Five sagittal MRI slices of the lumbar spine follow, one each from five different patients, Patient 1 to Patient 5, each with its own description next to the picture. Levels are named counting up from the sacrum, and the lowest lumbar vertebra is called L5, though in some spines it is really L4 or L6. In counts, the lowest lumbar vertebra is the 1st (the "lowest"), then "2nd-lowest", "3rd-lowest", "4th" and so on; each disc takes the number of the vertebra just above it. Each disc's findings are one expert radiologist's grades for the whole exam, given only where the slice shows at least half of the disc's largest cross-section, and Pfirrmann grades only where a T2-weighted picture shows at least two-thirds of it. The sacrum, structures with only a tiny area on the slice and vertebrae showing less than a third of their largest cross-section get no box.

Patient 1 of 5:
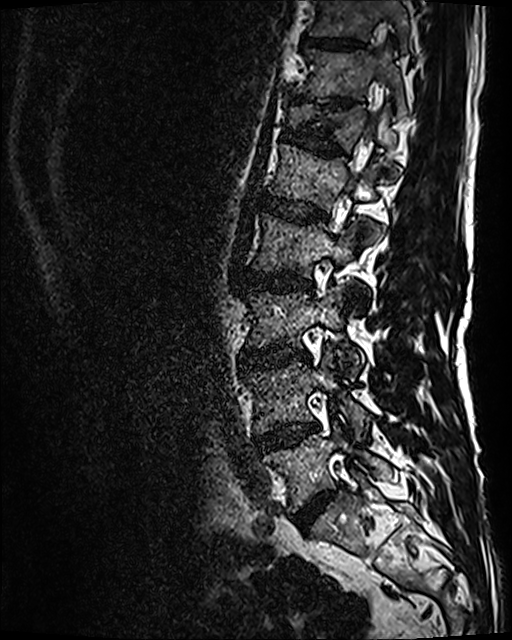
T2 SPACE (3D) sagittal MRI of the lumbar spine. Slice 76/120.

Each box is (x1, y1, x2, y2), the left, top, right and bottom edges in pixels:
Structures:
* L4 at (244, 352, 367, 437)
* L3 vertebra at (247, 286, 363, 379)
* IVD L2/L3 at (243, 270, 312, 290)
* T11/T12 at (327, 99, 352, 106)
* L4/L5 at (256, 423, 317, 453)
* IVD L5/S1 at (292, 488, 337, 531)
* IVD L1/L2 at (260, 195, 325, 222)
* T10/T11 at (304, 37, 361, 49)
* L2 vertebra at (254, 214, 358, 277)
* L3/L4 at (240, 348, 309, 368)
* L1 vertebra at (269, 145, 375, 211)
* T12 at (291, 104, 396, 151)
* L5 at (265, 423, 390, 511)
* T10 vertebra at (310, 0, 408, 48)
* IVD T12/L1 at (282, 126, 345, 155)
* T11 vertebra at (295, 49, 407, 117)

Radiological gradings:
  L1/L2: Pfirrmann grade 3
  T10/T11: Pfirrmann grade 3
  L2/L3: Pfirrmann grade 3, disc bulging, Modic type II
  L3/L4: Pfirrmann grade 4, disc bulging, disc narrowing, Modic type II
  L4/L5: Pfirrmann grade 3, disc bulging, Modic type II
  T12/L1: Pfirrmann grade 3, upper-endplate change, lower-endplate change
  L5/S1: disc bulging, disc narrowing

Patient 2 of 5:
Sagittal slice index 9 | Sagittal T2-weighted lumbar spine MRI

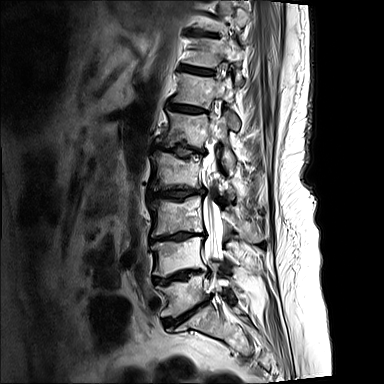
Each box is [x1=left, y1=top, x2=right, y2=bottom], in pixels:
Thecal sac / spinal canal: [x1=201, y1=95, x2=223, y2=290].
6th vertebra: [x1=173, y1=73, x2=239, y2=129].
5th disc: [x1=154, y1=144, x2=205, y2=156].
3rd-lowest disc: [x1=150, y1=232, x2=205, y2=242].
2nd-lowest disc: [x1=153, y1=269, x2=201, y2=284].
4th disc: [x1=152, y1=188, x2=206, y2=200].
6th disc: [x1=168, y1=104, x2=203, y2=113].
Lowest disc: [x1=163, y1=296, x2=210, y2=325].
Lowest vertebra: [x1=156, y1=273, x2=245, y2=317].
7th disc: [x1=182, y1=66, x2=212, y2=74].
7th vertebra: [x1=185, y1=38, x2=242, y2=67].
3rd-lowest vertebra: [x1=149, y1=196, x2=262, y2=240].
8th disc: [x1=188, y1=30, x2=215, y2=35].
2nd-lowest vertebra: [x1=150, y1=237, x2=238, y2=276].
4th vertebra: [x1=150, y1=151, x2=234, y2=198].
5th vertebra: [x1=156, y1=111, x2=235, y2=168].

Radiological gradings:
  4th disc: Pfirrmann grade 5, Modic type I, disc narrowing, upper-endplate change, disc bulging, lower-endplate change
  7th disc: Pfirrmann grade 4, upper-endplate change
  5th disc: Pfirrmann grade 5, lower-endplate change, upper-endplate change, Modic type I, disc bulging, disc narrowing
  2nd-lowest disc: Pfirrmann grade 5, Modic type II, lower-endplate change, disc bulging, upper-endplate change, disc narrowing
  8th disc: upper-endplate change
  3rd-lowest disc: Pfirrmann grade 5, lower-endplate change, Modic type II, disc narrowing, upper-endplate change, disc bulging
  lowest disc: Pfirrmann grade 5, Modic type II, lower-endplate change, upper-endplate change, disc narrowing, disc bulging
  6th disc: Pfirrmann grade 4

Patient 3 of 5:
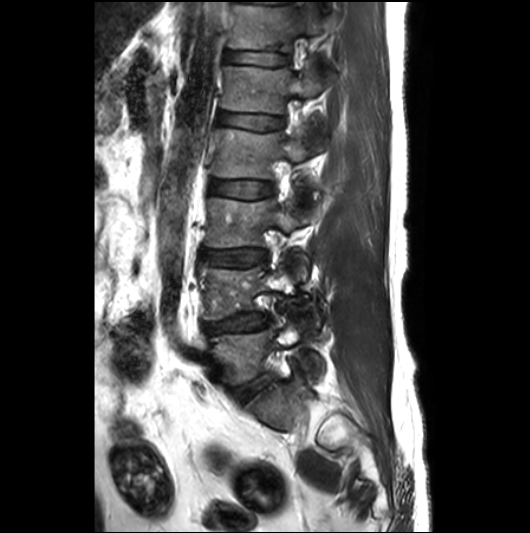 Sagittal T2-weighted lumbar spine MRI | Slice 18/26 | 530x533 px

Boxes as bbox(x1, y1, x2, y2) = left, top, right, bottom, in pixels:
Annotations:
* 4th vertebra: bbox(210, 126, 320, 201)
* lowest disc: bbox(234, 373, 273, 403)
* 2nd-lowest vertebra: bbox(199, 265, 323, 326)
* 2nd-lowest disc: bbox(203, 312, 271, 335)
* 5th disc: bbox(217, 112, 283, 131)
* 6th vertebra: bbox(229, 1, 322, 51)
* lowest vertebra: bbox(208, 323, 322, 384)
* 3rd-lowest disc: bbox(200, 249, 266, 266)
* 5th vertebra: bbox(220, 59, 333, 114)
* 3rd-lowest vertebra: bbox(204, 198, 307, 275)
* 6th disc: bbox(225, 50, 289, 65)
* 4th disc: bbox(209, 180, 272, 198)

Radiological gradings:
  5th disc: Pfirrmann grade 2
  4th disc: Pfirrmann grade 2
  3rd-lowest disc: Pfirrmann grade 3, upper-endplate change, disc bulging
  6th disc: Pfirrmann grade 2, lower-endplate change
  2nd-lowest disc: Pfirrmann grade 3, disc bulging, disc narrowing, disc herniation, Modic type II

Patient 4 of 5:
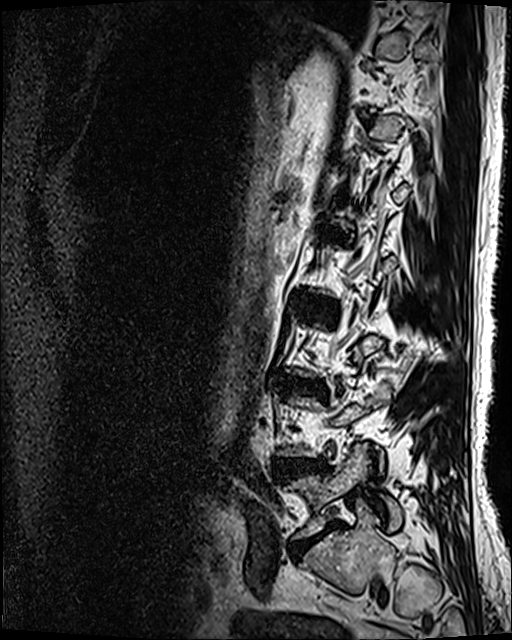

Sagittal slice index 90, Patient sex: M, 512x640 px, T2 SPACE (3D) sagittal MRI of the lumbar spine

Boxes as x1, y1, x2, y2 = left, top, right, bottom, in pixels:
L2/L3 at 302, 297, 337, 320; L3/L4 at 278, 377, 325, 394; L5 at 284, 445, 402, 539; disc L1/L2 at 322, 228, 347, 237; disc L4/L5 at 274, 460, 325, 476; disc L5/S1 at 289, 523, 337, 556.

Patient 5 of 5:
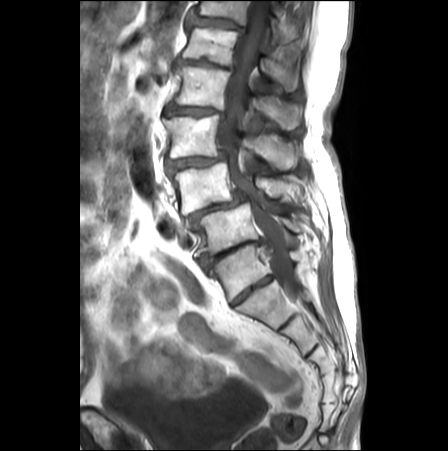 Slice 14 of 26, MRI lumbar spine (T1-weighted), sagittal plane
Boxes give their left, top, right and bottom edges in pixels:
2nd-lowest vertebra at left=170, top=163, right=297, bottom=214; 6th disc at left=186, top=15, right=245, bottom=33; lowest vertebra at left=196, top=202, right=300, bottom=255; 3rd-lowest vertebra at left=163, top=114, right=299, bottom=168; 4th disc at left=163, top=104, right=224, bottom=118; spinal canal at left=218, top=1, right=299, bottom=299; 5th disc at left=172, top=58, right=234, bottom=73; lowest disc at left=199, top=240, right=261, bottom=267; 2nd-lowest disc at left=184, top=190, right=248, bottom=231; 6th vertebra at left=193, top=1, right=280, bottom=44; 3rd-lowest disc at left=166, top=153, right=225, bottom=174; 4th vertebra at left=174, top=65, right=299, bottom=129; 5th vertebra at left=182, top=27, right=297, bottom=90.

Radiological gradings:
  4th disc: disc bulging, Modic type II, lower-endplate change, upper-endplate change, spondylolisthesis, disc narrowing
  5th disc: lower-endplate change, disc bulging, disc narrowing
  3rd-lowest disc: disc bulging, lower-endplate change, spondylolisthesis, disc narrowing, upper-endplate change, Modic type II
  2nd-lowest disc: spondylolisthesis, disc narrowing, lower-endplate change, upper-endplate change, Modic type II, disc bulging, disc herniation
  lowest disc: lower-endplate change, disc narrowing, Modic type II, disc herniation, upper-endplate change, disc bulging
  6th disc: disc bulging, lower-endplate change, upper-endplate change